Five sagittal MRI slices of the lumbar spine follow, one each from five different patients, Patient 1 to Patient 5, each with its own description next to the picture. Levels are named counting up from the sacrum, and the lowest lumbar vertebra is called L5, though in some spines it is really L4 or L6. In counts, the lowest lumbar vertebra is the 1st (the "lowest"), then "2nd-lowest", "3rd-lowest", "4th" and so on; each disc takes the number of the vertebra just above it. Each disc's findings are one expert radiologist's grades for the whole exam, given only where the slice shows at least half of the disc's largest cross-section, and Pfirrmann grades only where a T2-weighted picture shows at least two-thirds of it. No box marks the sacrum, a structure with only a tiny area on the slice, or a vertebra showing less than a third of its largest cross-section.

Patient 1 of 5:
512x640 px. Patient sex: F. T2 SPACE (3D) sagittal MRI of the lumbar spine.

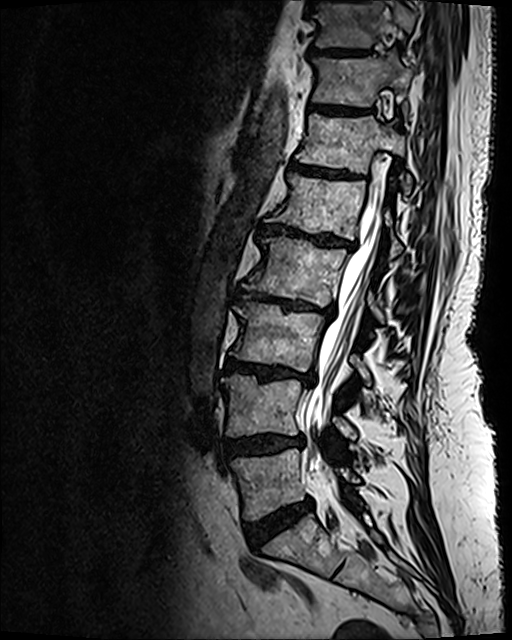
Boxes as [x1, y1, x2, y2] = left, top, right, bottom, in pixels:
{"lowest disc": "[244, 499, 313, 548]", "7th disc": "[311, 106, 352, 113]", "3rd-lowest vertebra": "[231, 301, 369, 382]", "lowest vertebra": "[231, 449, 359, 520]", "5th vertebra": "[267, 174, 402, 257]", "6th disc": "[289, 161, 350, 177]", "8th vertebra": "[315, 0, 414, 47]", "5th disc": "[258, 225, 354, 248]", "4th vertebra": "[243, 236, 383, 321]", "2nd-lowest vertebra": "[221, 375, 355, 439]", "8th disc": "[312, 49, 367, 54]", "4th disc": "[236, 290, 333, 314]", "6th vertebra": "[296, 114, 411, 194]", "2nd-lowest disc": "[221, 434, 303, 459]", "7th vertebra": "[313, 55, 411, 107]", "3rd-lowest disc": "[225, 359, 314, 381]", "spinal canal": "[305, 187, 383, 498]"}

Per-level radiological findings:
• 4th disc: disc narrowing, Modic type II, lower-endplate change, upper-endplate change, disc bulging
• lowest disc: Pfirrmann grade 4, disc bulging
• 7th disc: upper-endplate change, lower-endplate change
• 8th disc: lower-endplate change, upper-endplate change
• 6th disc: Pfirrmann grade 4, upper-endplate change, Modic type II, lower-endplate change
• 3rd-lowest disc: Pfirrmann grade 5, upper-endplate change, disc bulging, Modic type II, lower-endplate change, disc narrowing
• 5th disc: Pfirrmann grade 5, disc bulging, upper-endplate change, Modic type II, lower-endplate change, disc narrowing
• 2nd-lowest disc: Pfirrmann grade 4, lower-endplate change, upper-endplate change, disc bulging

Patient 2 of 5:
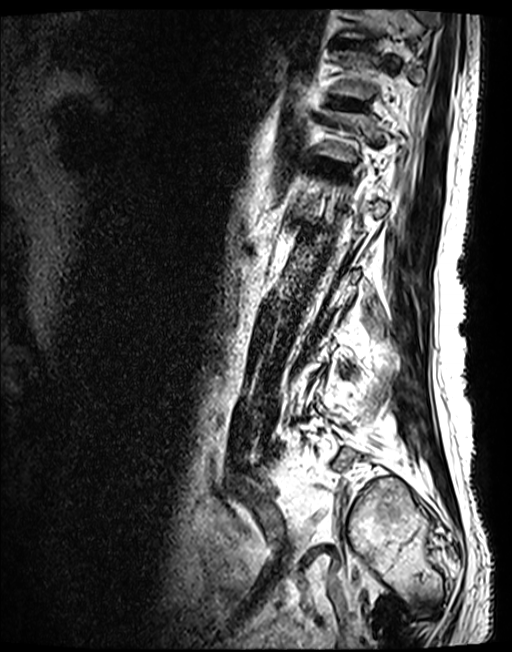
MRI lumbar spine (T2 SPACE (3D)), sagittal plane

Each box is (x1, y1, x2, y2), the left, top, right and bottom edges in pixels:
* T12/L1 at (316, 160, 343, 172)
* T10/T11 at (337, 39, 361, 47)
* intervertebral disc T11/T12 at (332, 98, 364, 108)

Patient 3 of 5:
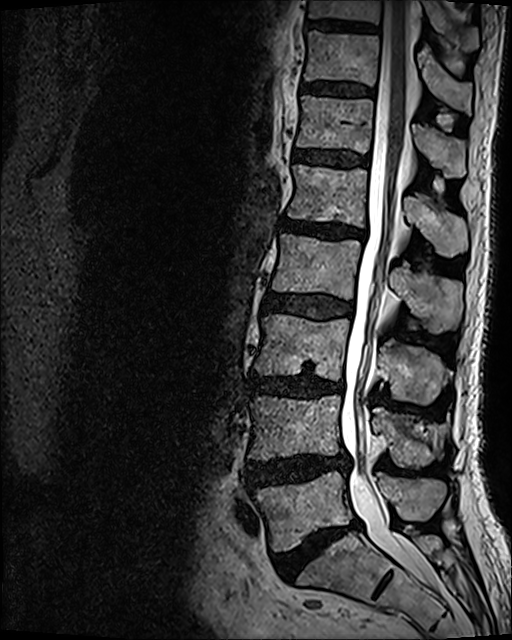 Sagittal T2 SPACE (3D) lumbar spine MRI; 512x640 px; Sex M; Slice 63/120

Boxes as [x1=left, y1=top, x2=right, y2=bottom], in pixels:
L3/L4 at [x1=248, y1=375, x2=344, y2=398].
L4 at [x1=250, y1=395, x2=438, y2=469].
L1/L2 at [x1=280, y1=219, x2=365, y2=237].
T10 at [x1=308, y1=0, x2=477, y2=50].
L3 vertebra at [x1=255, y1=314, x2=449, y2=404].
T12 at [x1=297, y1=95, x2=465, y2=177].
T11 vertebra at [x1=304, y1=31, x2=471, y2=112].
IVD L5/S1 at [x1=273, y1=520, x2=361, y2=581].
L4/L5 at [x1=246, y1=454, x2=349, y2=488].
L2 vertebra at [x1=272, y1=233, x2=462, y2=332].
T12/L1 at [x1=293, y1=151, x2=367, y2=166].
L1 at [x1=288, y1=164, x2=467, y2=255].
IVD L2/L3 at [x1=262, y1=291, x2=352, y2=319].
IVD T10/T11 at [x1=306, y1=18, x2=377, y2=33].
IVD T11/T12 at [x1=302, y1=84, x2=373, y2=95].
Thecal sac / spinal canal at [x1=340, y1=1, x2=431, y2=586].
L5 at [x1=255, y1=471, x2=441, y2=551].

Per-level radiological findings:
- L4/L5: Pfirrmann grade 4, disc herniation, disc bulging
- L5/S1: Pfirrmann grade 5, disc narrowing, disc bulging, Modic type II, lower-endplate change
- T11/T12: Pfirrmann grade 3
- T12/L1: Pfirrmann grade 3
- L3/L4: Pfirrmann grade 4, Modic type II, disc narrowing, disc bulging, lower-endplate change
- L2/L3: Pfirrmann grade 3, disc bulging
- L1/L2: Pfirrmann grade 4, upper-endplate change, Modic type II, disc bulging, disc narrowing, lower-endplate change

Patient 4 of 5:
448x452 px. Lumbar spine MR, T2-weighted, sagittal. 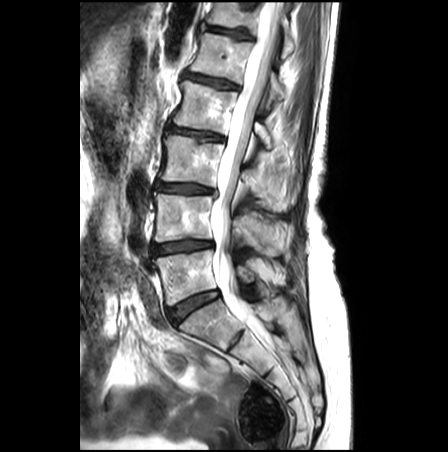

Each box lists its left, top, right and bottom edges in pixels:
Disc L2/L3 at left=167, top=125, right=223, bottom=141; L4 at left=154, top=192, right=280, bottom=254; thecal sac / spinal canal at left=211, top=2, right=284, bottom=324; L3 vertebra at left=159, top=133, right=285, bottom=212; L4/L5 at left=152, top=240, right=212, bottom=254; L1/L2 at left=184, top=73, right=237, bottom=89; L5 vertebra at left=153, top=249, right=253, bottom=305; disc L3/L4 at left=155, top=182, right=213, bottom=193; L2 vertebra at left=172, top=80, right=271, bottom=148; L1 vertebra at left=190, top=33, right=285, bottom=110; disc T12/L1 at left=202, top=25, right=251, bottom=38; disc L5/S1 at left=167, top=289, right=218, bottom=324; T12 vertebra at left=207, top=2, right=295, bottom=57.

Per-level radiological findings:
• T12/L1: Pfirrmann grade 3, upper-endplate change, lower-endplate change
• L4/L5: Pfirrmann grade 3, lower-endplate change, upper-endplate change, disc bulging, Modic type II, disc narrowing
• L1/L2: Pfirrmann grade 3, lower-endplate change, disc bulging, upper-endplate change
• L2/L3: Pfirrmann grade 3, disc bulging, Modic type II, disc narrowing, upper-endplate change, lower-endplate change
• L5/S1: Pfirrmann grade 3
• L3/L4: Pfirrmann grade 3, disc bulging, Modic type II, upper-endplate change, disc narrowing, lower-endplate change

Patient 5 of 5:
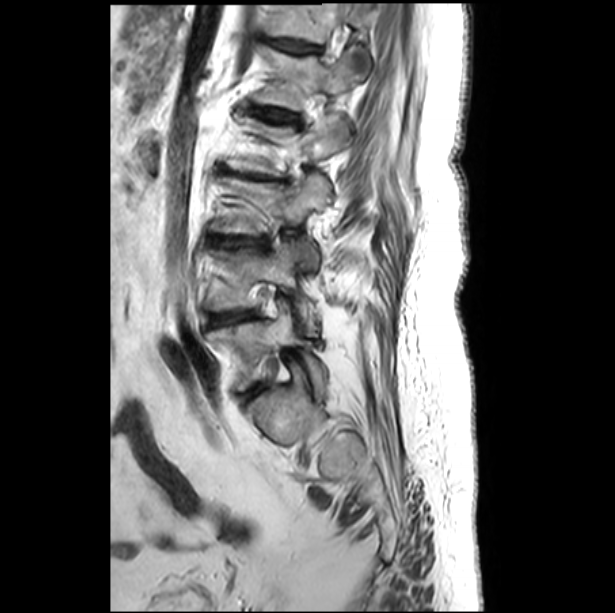 Slice 11 of 32, MRI lumbar spine (T2-weighted), sagittal plane, Sex F, 615x613 px
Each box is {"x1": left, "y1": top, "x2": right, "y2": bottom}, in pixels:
4th disc — {"x1": 218, "y1": 164, "x2": 288, "y2": 183}.
6th vertebra — {"x1": 268, "y1": 3, "x2": 372, "y2": 79}.
3rd-lowest vertebra — {"x1": 212, "y1": 174, "x2": 331, "y2": 235}.
5th disc — {"x1": 256, "y1": 109, "x2": 295, "y2": 121}.
Lowest vertebra — {"x1": 208, "y1": 302, "x2": 325, "y2": 398}.
2nd-lowest vertebra — {"x1": 211, "y1": 242, "x2": 319, "y2": 335}.
2nd-lowest disc — {"x1": 211, "y1": 311, "x2": 252, "y2": 325}.
5th vertebra — {"x1": 256, "y1": 47, "x2": 360, "y2": 109}.
3rd-lowest disc — {"x1": 211, "y1": 236, "x2": 264, "y2": 246}.
4th vertebra — {"x1": 228, "y1": 117, "x2": 349, "y2": 176}.
6th disc — {"x1": 272, "y1": 38, "x2": 319, "y2": 52}.

Degenerative findings by level:
- 6th disc: Pfirrmann grade 3, upper-endplate change, lower-endplate change, disc bulging, Modic type II
- 5th disc: lower-endplate change, Modic type II, disc bulging, upper-endplate change